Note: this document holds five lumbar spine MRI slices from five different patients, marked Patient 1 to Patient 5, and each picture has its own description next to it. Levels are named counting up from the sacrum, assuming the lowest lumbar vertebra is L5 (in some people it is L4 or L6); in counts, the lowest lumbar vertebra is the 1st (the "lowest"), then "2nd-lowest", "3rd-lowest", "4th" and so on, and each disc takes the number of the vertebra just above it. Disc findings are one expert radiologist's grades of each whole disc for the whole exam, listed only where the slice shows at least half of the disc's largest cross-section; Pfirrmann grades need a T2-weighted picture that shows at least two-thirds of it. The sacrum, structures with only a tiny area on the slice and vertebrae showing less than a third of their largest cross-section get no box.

Patient 1 of 5:
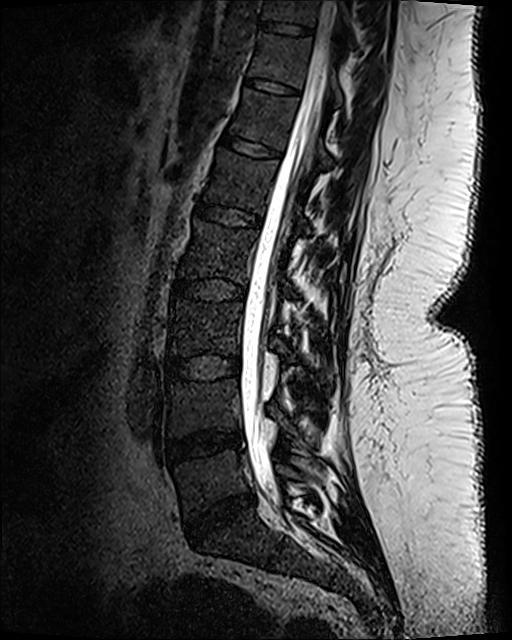 Sagittal T2 SPACE (3D) lumbar spine MRI. Image 512x640. Sagittal slice index 53.

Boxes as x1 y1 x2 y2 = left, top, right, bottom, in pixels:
L4 vertebra at 169 379 298 436, L1 vertebra at 206 149 310 234, intervertebral disc L4/L5 at 167 431 239 463, spinal canal at 240 1 337 496, intervertebral disc L3/L4 at 165 354 238 380, T11/T12 at 245 77 299 96, intervertebral disc T12/L1 at 220 131 281 159, L2 at 180 220 297 295, T10 at 261 0 352 34, L5 vertebra at 175 450 308 519, L3 vertebra at 169 301 332 382, T12 at 230 88 331 167, T10/T11 at 260 21 313 36, intervertebral disc L1/L2 at 192 202 262 229, L5/S1 at 185 494 254 542, intervertebral disc L2/L3 at 171 277 247 301, T11 vertebra at 250 34 343 106.

Radiological gradings:
- T10/T11: Pfirrmann grade 1
- L1/L2: Pfirrmann grade 1
- L4/L5: Pfirrmann grade 3, disc bulging, disc narrowing
- T11/T12: Pfirrmann grade 1
- T12/L1: Pfirrmann grade 1
- L2/L3: Pfirrmann grade 1
- L5/S1: Pfirrmann grade 4, disc bulging, disc narrowing
- L3/L4: Pfirrmann grade 1

Patient 2 of 5:
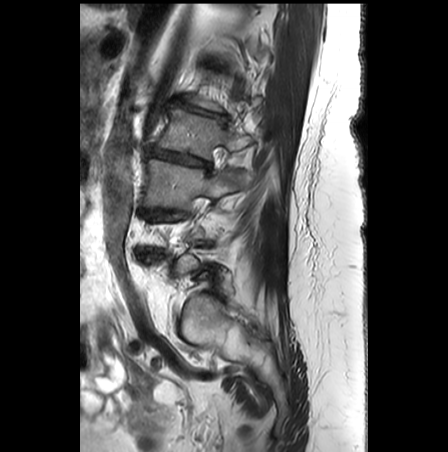 MRI lumbar spine (T2-weighted), sagittal plane | Patient sex: F
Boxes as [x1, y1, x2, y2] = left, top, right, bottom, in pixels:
L2/L3 = [145, 148, 209, 168].
L3 = [144, 158, 247, 209].
L1/L2 = [172, 98, 227, 121].
L2 vertebra = [155, 108, 251, 159].

Radiological gradings:
• L2/L3: Pfirrmann grade 5, disc bulging, Modic type II, lower-endplate change, upper-endplate change, disc narrowing
• L1/L2: Pfirrmann grade 5, disc narrowing, Modic type II, upper-endplate change, disc bulging, lower-endplate change, spondylolisthesis

Patient 3 of 5:
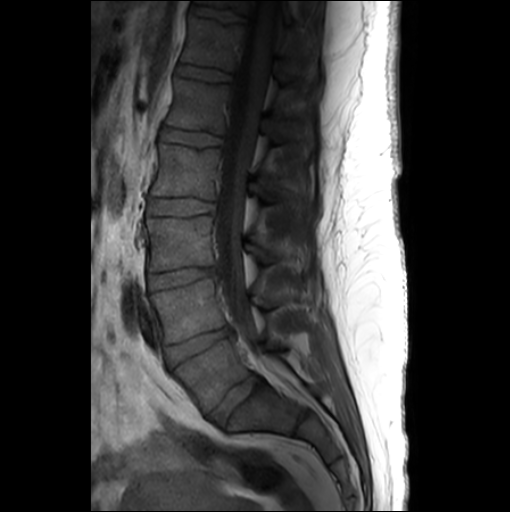 510x512 px | Patient sex: F | Lumbar spine MR, T1-weighted, sagittal | Field of view 280x281 mm

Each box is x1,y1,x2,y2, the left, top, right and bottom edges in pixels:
T11: 198,0,296,26
L1: 166,77,280,140
L2: 151,144,292,205
L3/L4: 148,267,216,290
L3: 144,216,302,271
spinal canal: 216,0,277,362
L4/L5: 166,326,231,365
intervertebral disc L1/L2: 160,128,222,146
T11/T12: 190,4,245,22
T12: 181,17,286,81
L4: 149,278,290,343
T12/L1: 175,64,231,81
L5 vertebra: 173,339,284,412
L2/L3: 147,198,214,215
L5/S1: 208,375,263,425

Per-level radiological findings:
  L4/L5: disc bulging, disc narrowing
  L5/S1: disc bulging
  L3/L4: disc bulging, disc narrowing
  L2/L3, T11/T12, L1/L2, T12/L1: no spondylolisthesis, narrowing, bulging, herniation, Modic or endplate change recorded

Patient 4 of 5:
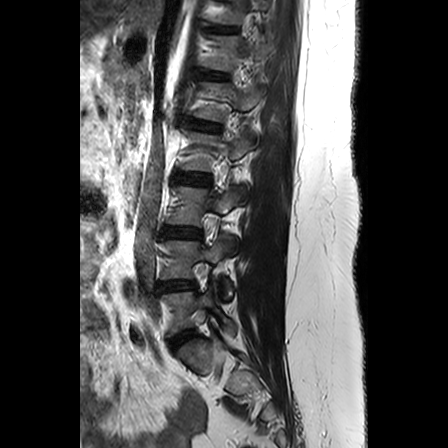 T2-weighted sagittal MRI of the lumbar spine | Field of view 280x280 mm, slice spacing 3.3 mm | 448x448 px
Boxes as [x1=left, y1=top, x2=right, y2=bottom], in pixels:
disc L5/S1 (lowest disc): [x1=170, y1=331, x2=194, y2=348]
disc T11/T12 (7th disc): [x1=211, y1=26, x2=237, y2=33]
L2 (4th vertebra): [x1=181, y1=131, x2=250, y2=206]
T12 (6th vertebra): [x1=203, y1=36, x2=269, y2=71]
L4 (2nd-lowest vertebra): [x1=162, y1=235, x2=232, y2=299]
L4/L5 (2nd-lowest disc): [x1=158, y1=280, x2=194, y2=290]
disc L3/L4 (3rd-lowest disc): [x1=163, y1=227, x2=200, y2=237]
T11 (7th vertebra): [x1=213, y1=0, x2=269, y2=24]
L2/L3 (4th disc): [x1=175, y1=172, x2=208, y2=184]
disc L1/L2 (5th disc): [x1=189, y1=119, x2=220, y2=131]
L3 (3rd-lowest vertebra): [x1=167, y1=186, x2=240, y2=253]
L1 (5th vertebra): [x1=194, y1=82, x2=263, y2=121]
T12/L1 (6th disc): [x1=201, y1=71, x2=227, y2=79]
L5 (lowest vertebra): [x1=162, y1=280, x2=234, y2=333]

Degenerative findings by level:
- T11/T12 (7th disc): Pfirrmann grade 2
- L1/L2 (5th disc): Modic type II, upper-endplate change, disc bulging
- L3/L4 (3rd-lowest disc): Pfirrmann grade 3, upper-endplate change
- L4/L5 (2nd-lowest disc): disc narrowing
- T12/L1 (6th disc), L2/L3 (4th disc): no spondylolisthesis, narrowing, bulging, herniation, Modic or endplate change recorded

Patient 5 of 5:
T2-weighted sagittal MRI of the lumbar spine 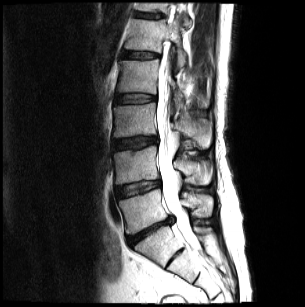 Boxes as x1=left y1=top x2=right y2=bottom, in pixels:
intervertebral disc L3/L4 — x1=113 y1=137 x2=157 y2=149 | L5 — x1=119 y1=189 x2=212 y2=234 | spinal canal — x1=156 y1=61 x2=194 y2=245 | L2 vertebra — x1=117 y1=60 x2=208 y2=106 | intervertebral disc T12/L1 — x1=134 y1=13 x2=163 y2=18 | intervertebral disc L4/L5 — x1=115 y1=181 x2=158 y2=196 | intervertebral disc L2/L3 — x1=115 y1=95 x2=156 y2=102 | L1 — x1=125 y1=16 x2=186 y2=67 | T12 vertebra — x1=135 y1=4 x2=191 y2=27 | intervertebral disc L5/S1 — x1=127 y1=216 x2=175 y2=245 | L3 vertebra — x1=113 y1=103 x2=210 y2=147 | L1/L2 — x1=122 y1=52 x2=158 y2=59 | L4 — x1=113 y1=146 x2=212 y2=183

Degenerative findings by level:
  L4/L5: Pfirrmann grade 2, disc bulging
  L5/S1: Pfirrmann grade 5, disc bulging, disc herniation, disc narrowing, Modic type II
  L3/L4: Pfirrmann grade 3, upper-endplate change, disc bulging
  T12/L1: Pfirrmann grade 3, upper-endplate change, lower-endplate change
  L1/L2: Pfirrmann grade 2, lower-endplate change, upper-endplate change, Modic type II
  L2/L3: Pfirrmann grade 2, Modic type II